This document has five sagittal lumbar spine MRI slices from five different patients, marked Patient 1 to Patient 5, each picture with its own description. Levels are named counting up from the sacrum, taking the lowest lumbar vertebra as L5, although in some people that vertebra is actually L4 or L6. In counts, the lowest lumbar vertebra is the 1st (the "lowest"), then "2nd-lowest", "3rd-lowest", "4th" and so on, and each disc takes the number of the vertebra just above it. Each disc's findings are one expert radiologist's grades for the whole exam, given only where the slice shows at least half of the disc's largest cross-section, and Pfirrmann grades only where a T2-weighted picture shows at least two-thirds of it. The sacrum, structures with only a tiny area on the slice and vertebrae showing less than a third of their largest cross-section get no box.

Patient 1 of 5:
Slice 64/120 | Sex M | T2 SPACE (3D) sagittal MRI of the lumbar spine 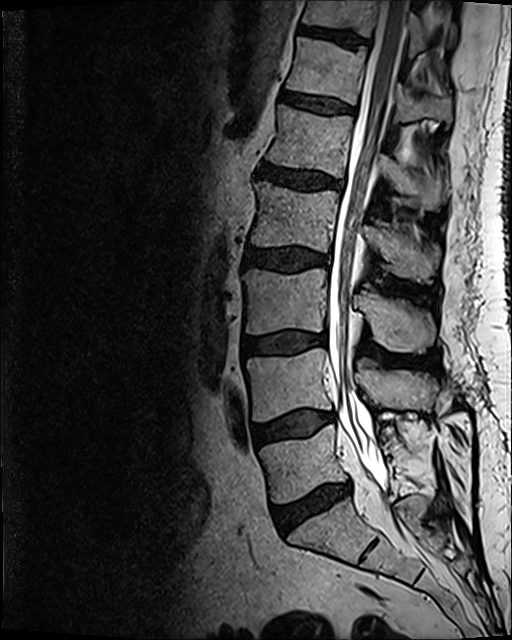

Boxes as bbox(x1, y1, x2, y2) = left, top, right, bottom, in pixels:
L1/L2 — bbox(258, 160, 341, 190).
T12 vertebra — bbox(286, 37, 451, 125).
L1 — bbox(267, 105, 443, 209).
Spinal canal — bbox(328, 0, 407, 494).
T11/T12 — bbox(299, 24, 367, 46).
IVD L3/L4 — bbox(243, 332, 320, 354).
IVD L2/L3 — bbox(245, 248, 324, 271).
T11 — bbox(302, 0, 458, 56).
L3 — bbox(243, 269, 435, 352).
L2 — bbox(252, 181, 439, 281).
L5/S1 — bbox(272, 485, 350, 532).
IVD T12/L1 — bbox(279, 93, 354, 113).
IVD L4/L5 — bbox(253, 411, 335, 445).
L5 vertebra — bbox(259, 424, 390, 502).
L4 — bbox(246, 351, 437, 421).

Per-level radiological findings:
- T12/L1: Pfirrmann grade 2
- L3/L4: Pfirrmann grade 2, disc bulging, Modic type II
- L4/L5: Pfirrmann grade 2, Modic type II, disc bulging
- L1/L2: Pfirrmann grade 3, disc bulging
- T11/T12: Pfirrmann grade 3
- L5/S1: Pfirrmann grade 3, disc narrowing, Modic type II, disc bulging
- L2/L3: Pfirrmann grade 3, disc bulging

Patient 2 of 5:
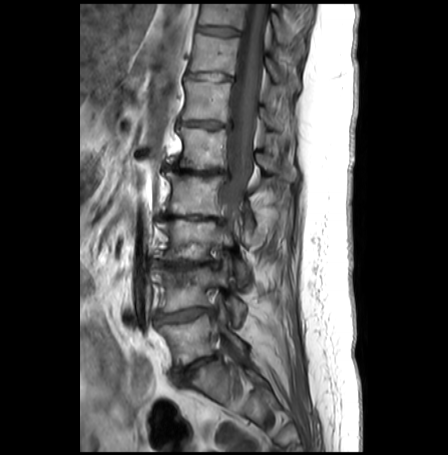 MRI lumbar spine (T1-weighted), sagittal plane. Slice 13 of 30. Patient sex: F.
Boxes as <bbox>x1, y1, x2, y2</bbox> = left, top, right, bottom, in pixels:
L2: <bbox>166, 172, 254, 229</bbox>
T12 vertebra: <bbox>182, 81, 274, 127</bbox>
T11 vertebra: <bbox>190, 33, 299, 90</bbox>
disc T10/T11: <bbox>197, 25, 238, 35</bbox>
L4/L5: <bbox>158, 307, 213, 322</bbox>
disc L3/L4: <bbox>151, 258, 217, 267</bbox>
T12/L1: <bbox>178, 120, 229, 127</bbox>
L1: <bbox>167, 127, 296, 179</bbox>
disc T11/T12: <bbox>188, 73, 231, 80</bbox>
L5: <bbox>159, 304, 245, 368</bbox>
spinal canal: <bbox>219, 4, 267, 213</bbox>
L4: <bbox>152, 256, 246, 324</bbox>
L1/L2: <bbox>163, 164, 229, 179</bbox>
L3 vertebra: <bbox>155, 218, 248, 284</bbox>
T10: <bbox>198, 4, 305, 57</bbox>
disc L2/L3: <bbox>159, 213, 223, 222</bbox>
L5/S1: <bbox>173, 353, 219, 378</bbox>

Per-level radiological findings:
- T11/T12: disc bulging
- L4/L5: Modic type II, lower-endplate change, upper-endplate change, disc bulging, disc narrowing, disc herniation
- L3/L4: upper-endplate change, lower-endplate change, disc bulging, Modic type II, disc narrowing
- L1/L2: disc narrowing, Modic type II, lower-endplate change, disc bulging, upper-endplate change
- L5/S1: lower-endplate change, upper-endplate change, disc bulging, disc narrowing, Modic type II
- T12/L1: disc bulging, Modic type II, disc narrowing, upper-endplate change, lower-endplate change
- T10/T11: no spondylolisthesis, narrowing, bulging, herniation, Modic or endplate change recorded

Patient 3 of 5:
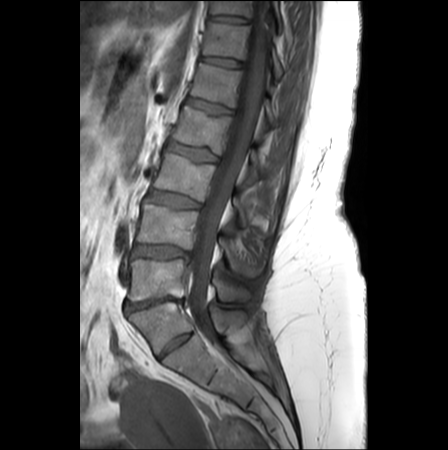 Slice 13 of 26, MRI lumbar spine (T1-weighted), sagittal plane, Field of view 280x282 mm, slice spacing 3.3 mm
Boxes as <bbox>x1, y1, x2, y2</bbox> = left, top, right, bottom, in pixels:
L2 vertebra: <bbox>172, 106, 264, 181</bbox>
intervertebral disc L5/S1: <bbox>124, 297, 183, 312</bbox>
intervertebral disc T11/T12: <bbox>209, 16, 245, 22</bbox>
intervertebral disc L1/L2: <bbox>186, 98, 230, 114</bbox>
L4 vertebra: <bbox>136, 204, 263, 277</bbox>
T12 vertebra: <bbox>202, 22, 282, 78</bbox>
intervertebral disc L3/L4: <bbox>146, 190, 200, 207</bbox>
intervertebral disc L4/L5: <bbox>132, 244, 191, 259</bbox>
L3 vertebra: <bbox>153, 153, 248, 225</bbox>
intervertebral disc L2/L3: <bbox>166, 141, 217, 162</bbox>
T11: <bbox>210, 1, 281, 27</bbox>
L5 vertebra: <bbox>127, 260, 249, 301</bbox>
intervertebral disc T12/L1: <bbox>200, 57, 238, 67</bbox>
L1 vertebra: <bbox>190, 63, 296, 131</bbox>
thecal sac / spinal canal: <bbox>188, 1, 268, 335</bbox>

Expert MSK radiologist gradings (per disc):
  L3/L4: disc bulging, Modic type II
  L2/L3: lower-endplate change, upper-endplate change
  L5/S1: disc narrowing, disc bulging, spondylolisthesis, Modic type II
  L1/L2: lower-endplate change, upper-endplate change
  L4/L5: disc herniation, disc bulging
  T11/T12, T12/L1: no Modic or endplate change, herniation, narrowing, bulging or spondylolisthesis recorded

Patient 4 of 5:
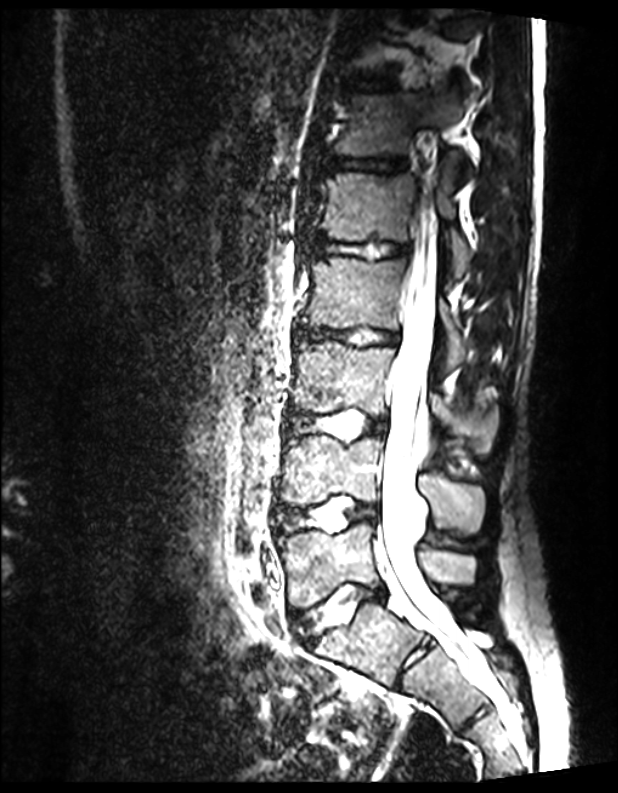 Sagittal T2 SPACE (3D) lumbar spine MRI

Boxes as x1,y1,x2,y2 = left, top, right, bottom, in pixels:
Segmented structures:
- 3rd-lowest disc: 287,410,387,439
- 6th vertebra: 333,94,470,177
- 6th disc: 322,157,406,173
- 3rd-lowest vertebra: 292,342,498,453
- 4th disc: 294,327,398,346
- lowest vertebra: 277,523,476,607
- 2nd-lowest disc: 277,498,376,531
- 4th vertebra: 301,257,468,363
- 7th disc: 343,77,399,90
- 2nd-lowest vertebra: 281,436,485,537
- lowest disc: 293,584,382,643
- 5th vertebra: 316,173,472,275
- 5th disc: 309,236,407,258
- thecal sac / spinal canal: 373,162,478,678

Per-level radiological findings:
  lowest disc: Pfirrmann grade 1
  4th disc: Pfirrmann grade 1
  6th disc: Pfirrmann grade 1
  3rd-lowest disc: Pfirrmann grade 1
  5th disc: Pfirrmann grade 1
  2nd-lowest disc: Pfirrmann grade 1
  7th disc: no spondylolisthesis, narrowing, bulging, herniation, Modic or endplate change recorded

Patient 5 of 5:
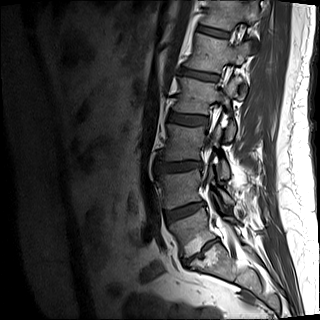 Sagittal T1-weighted lumbar spine MRI
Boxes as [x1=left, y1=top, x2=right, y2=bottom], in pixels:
Segmented structures:
* L4/L5 (2nd-lowest disc): [x1=166, y1=202, x2=204, y2=223]
* T12/L1 (6th disc): [x1=197, y1=25, x2=227, y2=38]
* L4 (2nd-lowest vertebra): [x1=160, y1=166, x2=234, y2=208]
* T12 (6th vertebra): [x1=201, y1=0, x2=262, y2=30]
* L3 (3rd-lowest vertebra): [x1=159, y1=124, x2=229, y2=178]
* L5 (lowest vertebra): [x1=170, y1=208, x2=239, y2=257]
* L5/S1 (lowest disc): [x1=183, y1=239, x2=218, y2=264]
* L2 (4th vertebra): [x1=173, y1=77, x2=238, y2=140]
* IVD L2/L3 (4th disc): [x1=168, y1=112, x2=207, y2=125]
* L1 (5th vertebra): [x1=185, y1=33, x2=251, y2=98]
* IVD L3/L4 (3rd-lowest disc): [x1=157, y1=161, x2=200, y2=172]
* L1/L2 (5th disc): [x1=180, y1=68, x2=218, y2=81]

Degenerative findings by level:
• L3/L4 (3rd-lowest disc): disc bulging
• L5/S1 (lowest disc): disc narrowing, lower-endplate change, Modic type II, disc bulging, upper-endplate change
• L4/L5 (2nd-lowest disc): disc bulging, disc narrowing, lower-endplate change
• L1/L2 (5th disc): upper-endplate change
• L2/L3 (4th disc), T12/L1 (6th disc): no spondylolisthesis, narrowing, bulging, herniation, Modic or endplate change recorded